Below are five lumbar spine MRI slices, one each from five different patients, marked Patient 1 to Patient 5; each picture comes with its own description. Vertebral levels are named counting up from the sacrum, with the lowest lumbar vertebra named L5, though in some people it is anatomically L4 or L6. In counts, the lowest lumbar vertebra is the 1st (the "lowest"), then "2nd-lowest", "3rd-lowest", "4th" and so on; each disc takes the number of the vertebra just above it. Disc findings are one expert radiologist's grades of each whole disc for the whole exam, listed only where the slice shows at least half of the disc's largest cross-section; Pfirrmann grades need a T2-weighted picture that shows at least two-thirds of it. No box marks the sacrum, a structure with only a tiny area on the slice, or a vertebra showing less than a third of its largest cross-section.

Patient 1 of 5:
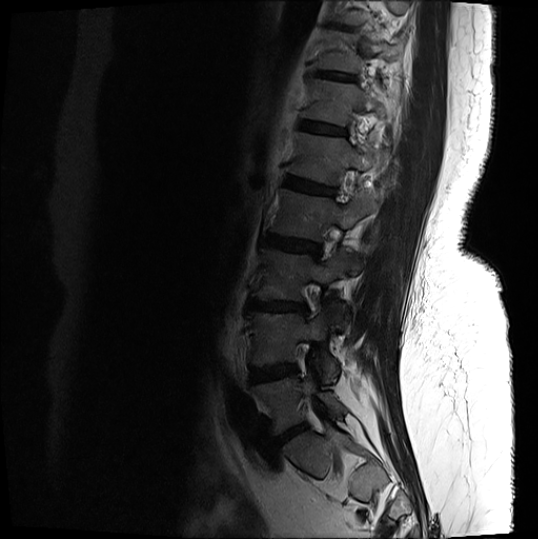 T2-weighted sagittal MRI of the lumbar spine.
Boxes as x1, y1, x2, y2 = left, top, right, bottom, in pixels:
{"T12 vertebra": "302, 79, 386, 126", "intervertebral disc L5/S1": "277, 424, 306, 443", "L2": "271, 189, 379, 241", "T11": "316, 31, 403, 73", "intervertebral disc T11/T12": "314, 71, 357, 81", "L4/L5": "250, 364, 298, 382", "intervertebral disc T10/T11": "329, 24, 352, 30", "L2/L3": "262, 234, 321, 256", "L4": "248, 309, 339, 382", "L5 vertebra": "251, 371, 346, 434", "L1": "288, 132, 384, 185", "L1/L2": "286, 176, 336, 195", "intervertebral disc L3/L4": "249, 300, 307, 313", "L3": "253, 247, 361, 328", "T12/L1": "300, 121, 346, 136"}

Degenerative findings by level:
  L2/L3: Pfirrmann grade 4, disc bulging, upper-endplate change, lower-endplate change
  L4/L5: Pfirrmann grade 4, disc bulging, Modic type II, lower-endplate change
  T12/L1: upper-endplate change, lower-endplate change
  L3/L4: Pfirrmann grade 4, upper-endplate change, disc bulging, Modic type II, lower-endplate change, disc narrowing
  L1/L2: Pfirrmann grade 4, upper-endplate change, lower-endplate change, Modic type II
  T11/T12: upper-endplate change

Patient 2 of 5:
Slice 8 of 17 | SIEMENS Avanto_fit (1.5T) | Image 512x512 | Lumbar spine MR, T2-weighted, sagittal

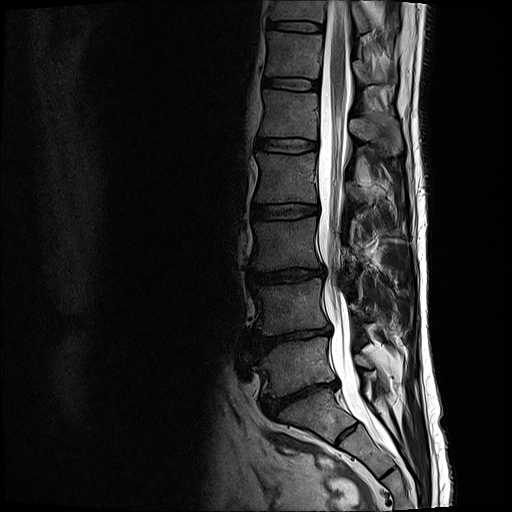
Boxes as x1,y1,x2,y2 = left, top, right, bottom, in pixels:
Annotations:
* 7th disc: 266,20,321,31
* 5th vertebra: 260,89,402,154
* lowest disc: 260,380,338,416
* 6th disc: 264,76,318,89
* 7th vertebra: 270,0,371,34
* 2nd-lowest vertebra: 254,279,389,335
* 6th vertebra: 266,31,397,83
* 5th disc: 258,138,317,152
* lowest vertebra: 256,338,373,396
* 2nd-lowest disc: 254,326,330,355
* thecal sac / spinal canal: 318,1,394,450
* 4th disc: 254,203,317,218
* 4th vertebra: 256,152,365,202
* 3rd-lowest disc: 250,268,325,282
* 3rd-lowest vertebra: 251,217,359,270

Expert MSK radiologist gradings (per disc):
  lowest disc: Pfirrmann grade 5, disc bulging, spondylolisthesis, disc narrowing, lower-endplate change
  4th disc: Pfirrmann grade 2
  7th disc: Pfirrmann grade 2
  5th disc: Pfirrmann grade 2
  6th disc: Pfirrmann grade 2
  2nd-lowest disc: Pfirrmann grade 5, disc bulging, Modic type II, lower-endplate change, disc narrowing
  3rd-lowest disc: Pfirrmann grade 3, disc narrowing, disc bulging

Patient 3 of 5:
MRI lumbar spine (T2-weighted), sagittal plane | Patient sex: F
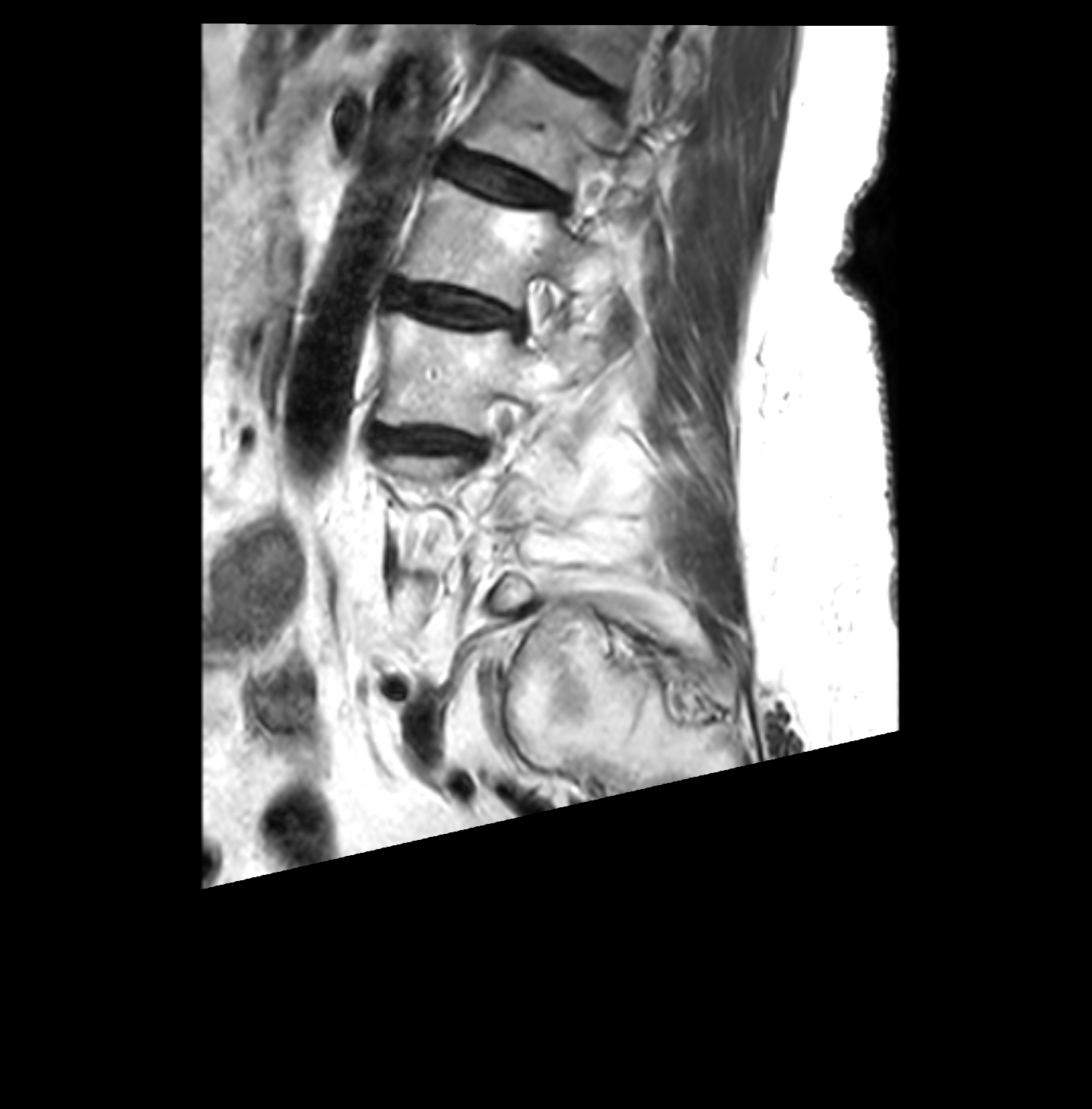

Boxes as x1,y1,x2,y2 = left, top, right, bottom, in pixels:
6th disc at 533,52,597,88; 4th vertebra at 401,177,621,306; 3rd-lowest disc at 374,428,487,458; 4th disc at 391,284,518,328; 5th vertebra at 462,59,648,188; 5th disc at 446,149,559,204; 3rd-lowest vertebra at 376,312,597,434.

Per-level radiological findings:
- 5th disc: Pfirrmann grade 2, Modic type II
- 4th disc: Pfirrmann grade 3, disc bulging, Modic type II
- 3rd-lowest disc: Pfirrmann grade 3, disc narrowing, Modic type II, disc bulging

Patient 4 of 5:
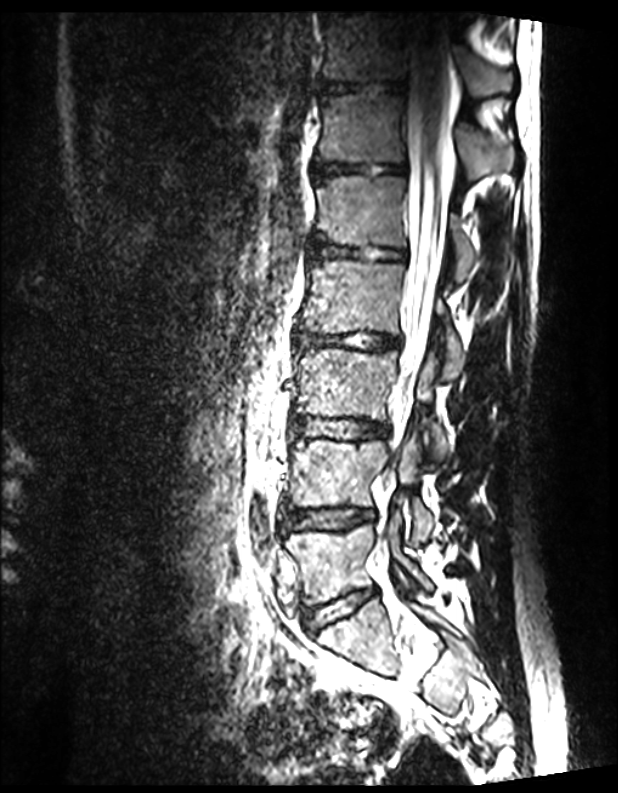 MRI lumbar spine (T2 SPACE (3D)), sagittal plane

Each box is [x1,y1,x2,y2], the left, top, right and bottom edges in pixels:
* T11 vertebra at [323,14,512,96]
* intervertebral disc L3/L4 at [293,417,388,439]
* L2/L3 at [294,330,400,351]
* T12 at [320,94,514,179]
* spinal canal at [378,25,451,551]
* L3 at [296,349,447,457]
* L5/S1 at [305,588,376,632]
* L5 at [284,511,432,605]
* T11/T12 at [321,80,404,93]
* L1/L2 at [309,239,406,260]
* L4/L5 at [281,508,376,531]
* L1 vertebra at [316,176,475,281]
* L4 at [289,438,433,544]
* L2 vertebra at [303,261,464,378]
* intervertebral disc T12/L1 at [313,162,405,176]

Expert MSK radiologist gradings (per disc):
- L1/L2: Pfirrmann grade 1
- L4/L5: Pfirrmann grade 1
- L2/L3: Pfirrmann grade 1
- T12/L1: Pfirrmann grade 1
- L3/L4: Pfirrmann grade 1
- T11/T12: Pfirrmann grade 1
- L5/S1: no spondylolisthesis, narrowing, bulging, herniation, Modic or endplate change recorded

Patient 5 of 5:
Sex F; Image 512x512; Slice spacing 3.3 mm; MRI lumbar spine (T2-weighted), sagittal plane 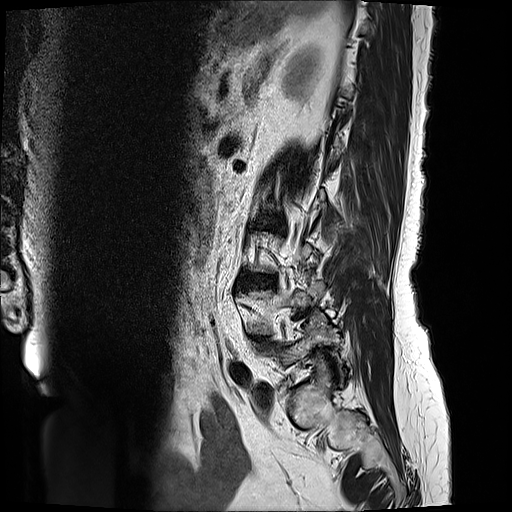
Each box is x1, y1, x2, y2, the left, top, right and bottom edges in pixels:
4th disc at 263, 219, 277, 226; 2nd-lowest disc at 255, 338, 267, 344; 3rd-lowest disc at 240, 274, 276, 286.

Radiological gradings:
- 3rd-lowest disc: disc narrowing, Modic type II, lower-endplate change, upper-endplate change, disc bulging